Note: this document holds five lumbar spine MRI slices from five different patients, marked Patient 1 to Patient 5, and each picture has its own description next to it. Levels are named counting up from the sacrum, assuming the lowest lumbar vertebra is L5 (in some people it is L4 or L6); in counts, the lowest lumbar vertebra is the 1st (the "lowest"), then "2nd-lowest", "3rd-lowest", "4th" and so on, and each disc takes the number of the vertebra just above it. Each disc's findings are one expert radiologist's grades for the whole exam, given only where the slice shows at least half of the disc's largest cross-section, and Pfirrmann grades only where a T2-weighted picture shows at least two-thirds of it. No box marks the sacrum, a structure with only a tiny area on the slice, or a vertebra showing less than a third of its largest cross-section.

Patient 1 of 5:
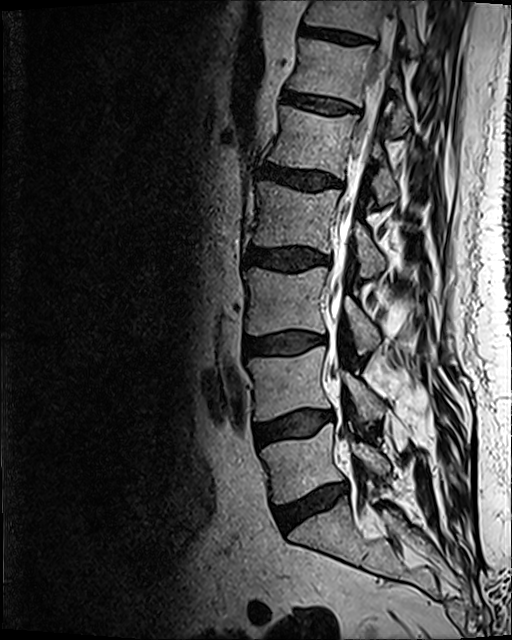 Sagittal slice index 70, MRI lumbar spine (T2 SPACE (3D)), sagittal plane
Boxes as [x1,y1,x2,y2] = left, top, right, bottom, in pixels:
Segmented structures:
- 5th disc at [260,161,341,191]
- 7th vertebra at [304,0,420,54]
- 7th disc at [300,24,374,44]
- 3rd-lowest disc at [246,332,322,355]
- 2nd-lowest disc at [255,411,333,446]
- 4th vertebra at [254,181,385,278]
- 4th disc at [247,247,330,271]
- 2nd-lowest vertebra at [248,346,383,423]
- 6th disc at [283,91,356,114]
- thecal sac / spinal canal at [329,6,399,384]
- lowest disc at [274,483,346,531]
- 6th vertebra at [289,39,410,135]
- lowest vertebra at [260,424,389,503]
- 3rd-lowest vertebra at [244,266,379,353]
- 5th vertebra at [270,106,397,205]

Expert MSK radiologist gradings (per disc):
• 5th disc: Pfirrmann grade 3, disc bulging
• 2nd-lowest disc: Pfirrmann grade 2, Modic type II, disc bulging
• lowest disc: Pfirrmann grade 3, Modic type II, disc bulging, disc narrowing
• 6th disc: Pfirrmann grade 2
• 4th disc: Pfirrmann grade 3, disc bulging
• 3rd-lowest disc: Pfirrmann grade 2, Modic type II, disc bulging
• 7th disc: Pfirrmann grade 3

Patient 2 of 5:
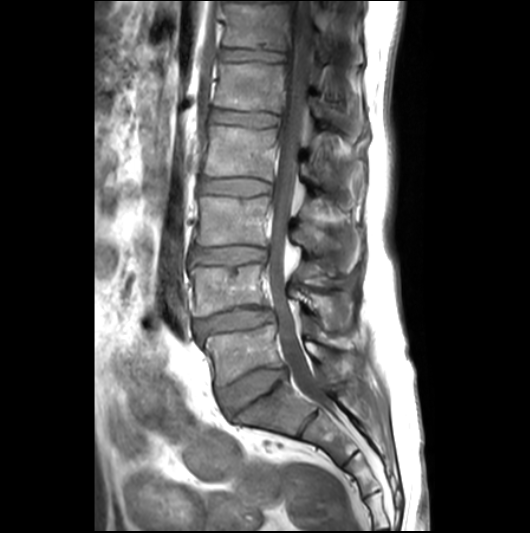

Slice 12/26, Sagittal T1-weighted lumbar spine MRI
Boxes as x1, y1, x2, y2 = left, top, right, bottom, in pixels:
Segmented structures:
* L1 (5th vertebra) — 214, 63, 324, 118
* thecal sac / spinal canal — 268, 1, 326, 406
* disc L3/L4 (3rd-lowest disc) — 193, 246, 266, 264
* T12 (6th vertebra) — 225, 4, 330, 65
* T12/L1 (6th disc) — 221, 47, 284, 63
* L1/L2 (5th disc) — 209, 110, 278, 129
* L3 (3rd-lowest vertebra) — 195, 196, 359, 272
* L4 (2nd-lowest vertebra) — 190, 264, 352, 329
* L2 (4th vertebra) — 202, 126, 323, 194
* disc L2/L3 (4th disc) — 201, 178, 270, 196
* L5 (lowest vertebra) — 200, 325, 363, 385
* L5/S1 (lowest disc) — 217, 367, 286, 415
* disc L4/L5 (2nd-lowest disc) — 194, 308, 274, 336

Degenerative findings by level:
• T12/L1 (6th disc): lower-endplate change
• L5/S1 (lowest disc): disc bulging
• L4/L5 (2nd-lowest disc): disc bulging, disc narrowing, Modic type II, disc herniation
• L3/L4 (3rd-lowest disc): upper-endplate change, disc bulging
• L2/L3 (4th disc), L1/L2 (5th disc): no herniation, bulging, narrowing, spondylolisthesis, endplate or Modic change recorded

Patient 3 of 5:
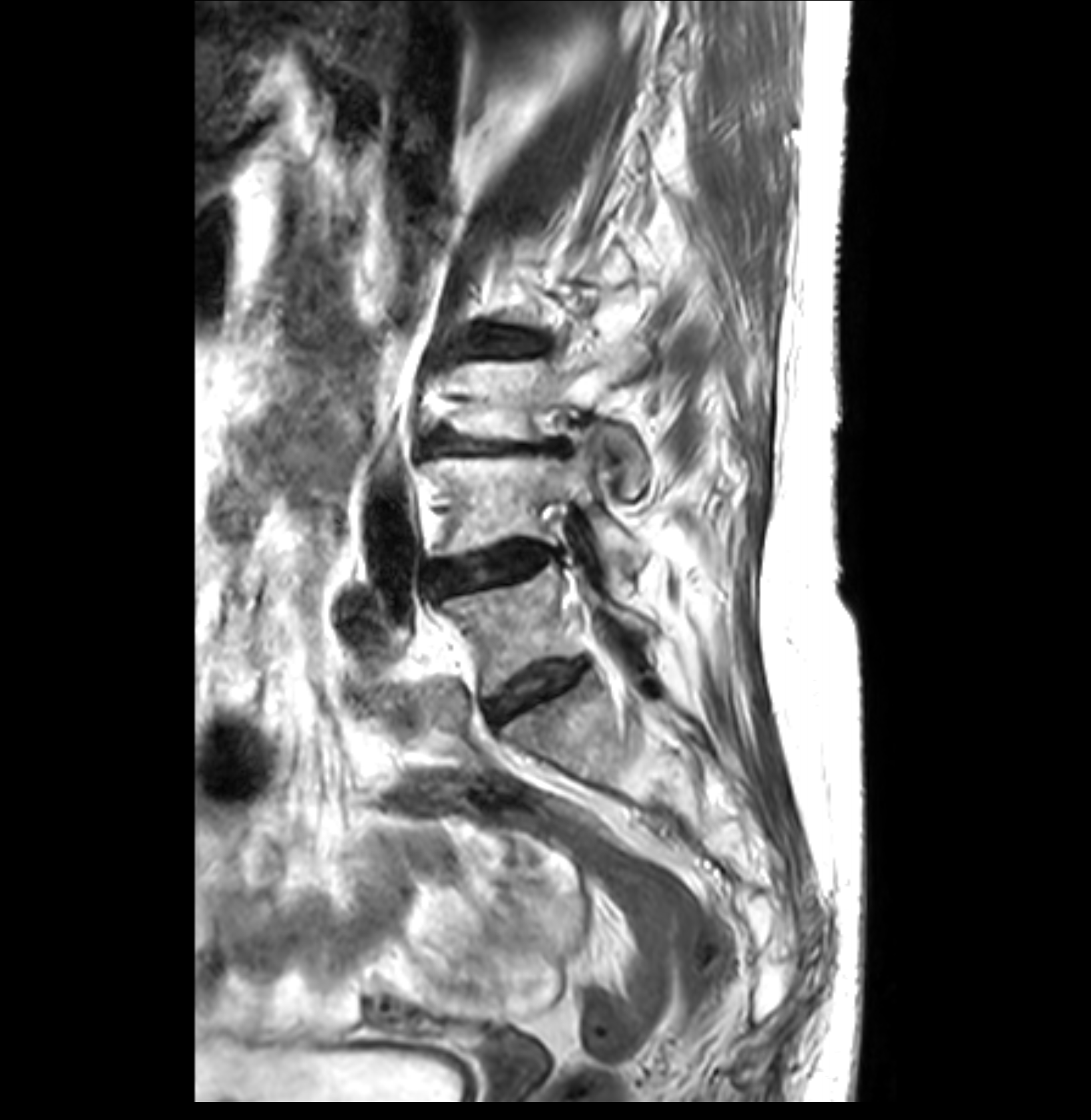
T2-weighted sagittal MRI of the lumbar spine

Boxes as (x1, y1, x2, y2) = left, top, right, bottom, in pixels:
Lowest vertebra: (443, 563, 657, 697).
4th disc: (465, 327, 542, 356).
2nd-lowest disc: (431, 542, 560, 591).
2nd-lowest vertebra: (426, 431, 645, 584).
3rd-lowest vertebra: (453, 341, 650, 497).
Lowest disc: (485, 659, 584, 722).
3rd-lowest disc: (426, 429, 567, 455).

Degenerative findings by level:
- 2nd-lowest disc: Pfirrmann grade 3, disc bulging, Modic type II, disc narrowing
- lowest disc: Pfirrmann grade 3, disc bulging

Patient 4 of 5:
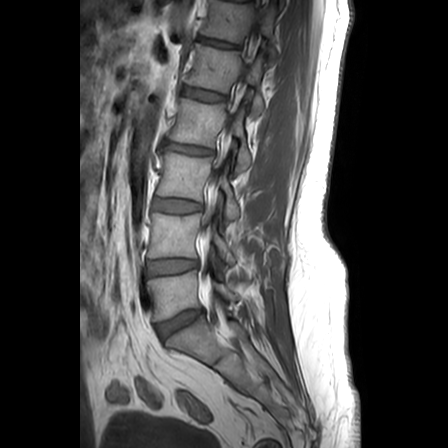 Patient sex: M; Field of view 280x280 mm, slice spacing 3.3 mm; Image 448x448; T1-weighted sagittal MRI of the lumbar spine

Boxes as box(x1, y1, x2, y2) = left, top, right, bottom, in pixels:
L4/L5 (2nd-lowest disc) = box(148, 259, 197, 275).
L5/S1 (lowest disc) = box(157, 310, 202, 338).
L3/L4 (3rd-lowest disc) = box(153, 198, 201, 212).
L2 (4th vertebra) = box(169, 98, 251, 172).
L3 (3rd-lowest vertebra) = box(156, 152, 239, 231).
T12 (6th vertebra) = box(201, 0, 277, 59).
L1 (5th vertebra) = box(185, 44, 264, 114).
IVD T12/L1 (6th disc) = box(199, 37, 238, 48).
L5 (lowest vertebra) = box(148, 270, 238, 321).
L1/L2 (5th disc) = box(183, 87, 224, 101).
L2/L3 (4th disc) = box(164, 142, 213, 155).
L4 (2nd-lowest vertebra) = box(148, 213, 235, 263).

Radiological gradings:
• L4/L5 (2nd-lowest disc): lower-endplate change
• L5/S1 (lowest disc): disc herniation
• L3/L4 (3rd-lowest disc): upper-endplate change
• L2/L3 (4th disc): disc narrowing, disc bulging, upper-endplate change, lower-endplate change
• T12/L1 (6th disc): upper-endplate change, lower-endplate change
• L1/L2 (5th disc): no herniation, bulging, narrowing, spondylolisthesis, endplate or Modic change recorded

Patient 5 of 5:
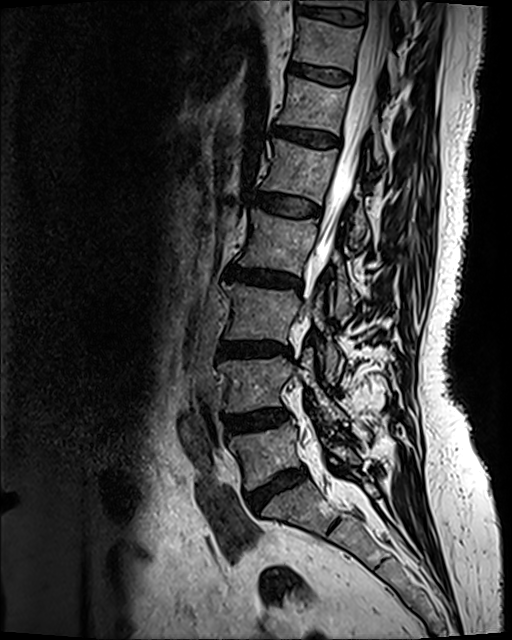 Lumbar spine MR, T2 SPACE (3D), sagittal, 512x640 px
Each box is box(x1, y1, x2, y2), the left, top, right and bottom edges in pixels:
L1: box(262, 139, 368, 247).
T11/T12: box(289, 63, 350, 83).
L3 vertebra: box(223, 284, 338, 379).
T12/L1: box(273, 127, 340, 147).
Intervertebral disc T10/T11: box(295, 7, 364, 24).
L2/L3: box(225, 266, 301, 289).
L5: box(229, 422, 360, 490).
T12 vertebra: box(277, 76, 384, 163).
L4: box(219, 351, 343, 422).
L2 vertebra: box(239, 209, 351, 314).
T11 vertebra: box(293, 17, 397, 88).
L3/L4: box(218, 340, 290, 355).
L1/L2: box(251, 191, 320, 215).
Spinal canal: box(302, 1, 394, 440).
L5/S1: box(248, 470, 304, 509).
Intervertebral disc L4/L5: box(227, 409, 285, 433).
T10 vertebra: box(302, 0, 411, 26).

Degenerative findings by level:
  T12/L1: Pfirrmann grade 3, disc bulging
  L3/L4: Pfirrmann grade 4, lower-endplate change, disc narrowing, disc bulging, Modic type II, upper-endplate change
  L1/L2: Pfirrmann grade 2
  L5/S1: Pfirrmann grade 4, disc bulging, disc narrowing
  T11/T12: Pfirrmann grade 2
  T10/T11: Pfirrmann grade 2
  L2/L3: Pfirrmann grade 4, disc narrowing, lower-endplate change, upper-endplate change, disc bulging, Modic type II
  L4/L5: Pfirrmann grade 3, disc bulging